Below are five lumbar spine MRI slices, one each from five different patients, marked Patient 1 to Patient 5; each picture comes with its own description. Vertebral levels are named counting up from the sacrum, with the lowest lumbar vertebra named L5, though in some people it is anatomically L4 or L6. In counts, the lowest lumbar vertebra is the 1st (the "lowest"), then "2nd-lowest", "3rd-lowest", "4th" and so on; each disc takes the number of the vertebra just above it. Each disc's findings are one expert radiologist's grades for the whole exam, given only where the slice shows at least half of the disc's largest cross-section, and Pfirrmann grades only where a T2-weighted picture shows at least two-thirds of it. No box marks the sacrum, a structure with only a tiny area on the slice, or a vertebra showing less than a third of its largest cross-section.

Patient 1 of 5:
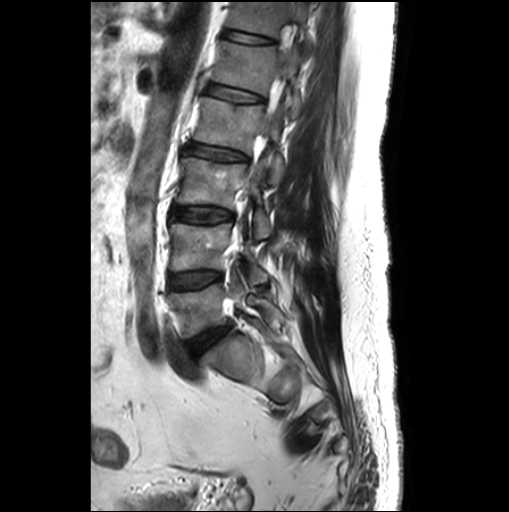 MRI lumbar spine (T2-weighted), sagittal plane; Slice spacing 3.3 mm; Slice 17/26
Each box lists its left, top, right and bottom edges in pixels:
L2 vertebra at left=193, top=97, right=285, bottom=183; L5/S1 at left=187, top=324, right=230, bottom=355; L3/L4 at left=171, top=206, right=233, bottom=222; disc T12/L1 at left=223, top=29, right=273, bottom=43; T12 at left=225, top=2, right=309, bottom=45; L2/L3 at left=184, top=143, right=247, bottom=160; disc L1/L2 at left=207, top=83, right=262, bottom=103; L4 vertebra at left=169, top=223, right=267, bottom=284; L3 vertebra at left=175, top=154, right=272, bottom=238; L4/L5 at left=168, top=271, right=220, bottom=289; L5 at left=168, top=268, right=282, bottom=337; L1 vertebra at left=211, top=41, right=302, bottom=117.

Degenerative findings by level:
- T12/L1: Pfirrmann grade 1
- L2/L3: Pfirrmann grade 1, lower-endplate change, upper-endplate change, disc bulging
- L5/S1: disc bulging
- L1/L2: Pfirrmann grade 1, lower-endplate change, upper-endplate change
- L4/L5: Pfirrmann grade 1
- L3/L4: Pfirrmann grade 1

Patient 2 of 5:
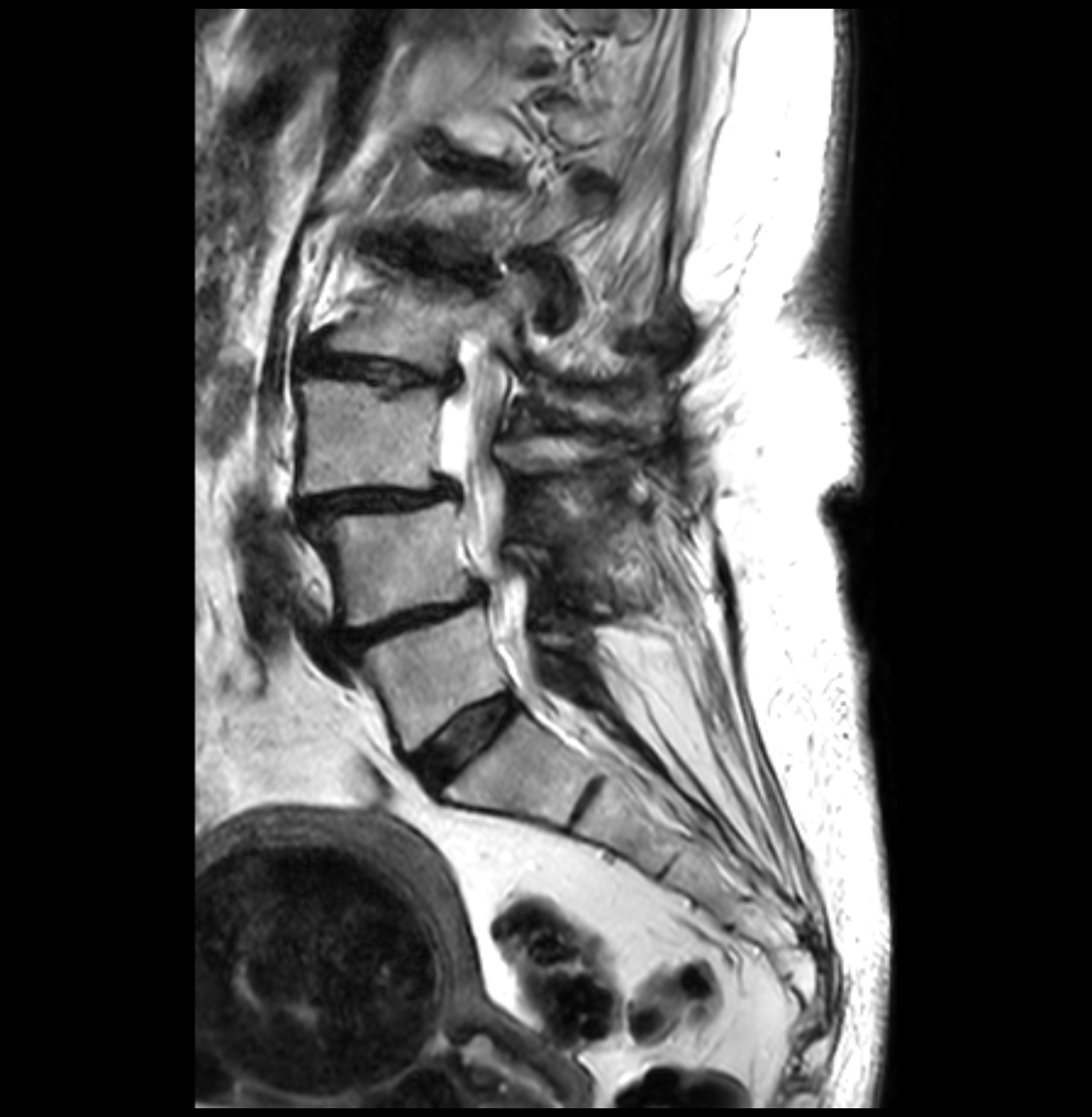 Image 1092x1117. Sagittal T2-weighted lumbar spine MRI.

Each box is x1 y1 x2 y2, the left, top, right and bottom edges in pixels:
spinal canal: 439 329 535 692
L3/L4: 300 483 455 520
L5 vertebra: 361 609 574 751
IVD L4/L5: 342 590 482 653
L2/L3: 300 335 457 386
L5/S1: 409 696 516 787
L1/L2: 414 260 462 278
L4: 310 501 633 627
L2 vertebra: 331 272 664 426
L3: 300 379 591 494

Radiological gradings:
• L2/L3: Pfirrmann grade 4, upper-endplate change, disc narrowing, disc bulging, lower-endplate change
• L5/S1: Pfirrmann grade 2
• L4/L5: disc narrowing, disc bulging
• L3/L4: Pfirrmann grade 4, spondylolisthesis, disc bulging, disc narrowing

Patient 3 of 5:
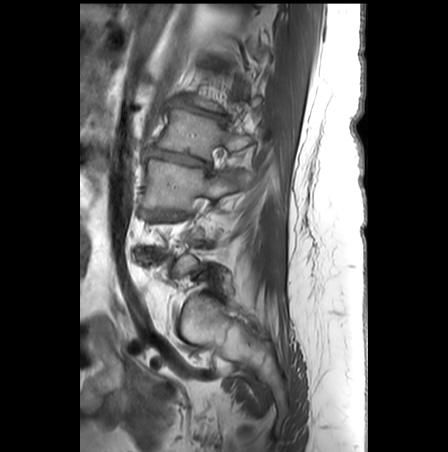
Slice 6/28. 448x452 px. T1-weighted sagittal MRI of the lumbar spine.
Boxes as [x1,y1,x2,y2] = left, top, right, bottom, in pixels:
4th disc at [145,148,209,168], 3rd-lowest vertebra at [144,158,247,209], 5th disc at [172,98,227,121], 4th vertebra at [155,108,251,159].

Degenerative findings by level:
- 4th disc: disc bulging, lower-endplate change, Modic type II, disc narrowing, upper-endplate change
- 5th disc: disc narrowing, disc bulging, upper-endplate change, spondylolisthesis, Modic type II, lower-endplate change

Patient 4 of 5:
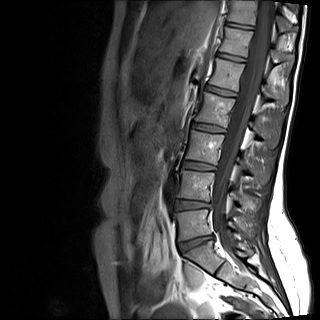
Sex F; Slice 7 of 15; T1-weighted sagittal MRI of the lumbar spine; Image 320x320

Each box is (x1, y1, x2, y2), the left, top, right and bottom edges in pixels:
{"T12 vertebra": "(219, 27, 294, 62)", "T12/L1": "(217, 53, 244, 61)", "L5/S1": "(179, 236, 213, 249)", "L1 vertebra": "(209, 58, 288, 105)", "intervertebral disc L3/L4": "(182, 161, 215, 170)", "intervertebral disc L2/L3": "(192, 122, 224, 133)", "L2 vertebra": "(195, 92, 277, 147)", "intervertebral disc L4/L5": "(175, 199, 209, 209)", "L1/L2": "(205, 84, 235, 96)", "intervertebral disc T11/T12": "(225, 22, 253, 29)", "T11": "(227, 0, 298, 31)", "L4": "(177, 170, 260, 212)", "L3": "(186, 130, 270, 184)", "L5 vertebra": "(174, 209, 252, 240)", "thecal sac / spinal canal": "(212, 0, 275, 249)"}

Expert MSK radiologist gradings (per disc):
• L4/L5: disc narrowing
• L5/S1: disc bulging, disc herniation, disc narrowing, Modic type II
• T12/L1, T11/T12, L2/L3, L3/L4, L1/L2: no herniation, bulging, narrowing, spondylolisthesis, endplate or Modic change recorded

Patient 5 of 5:
Sagittal T2 SPACE (3D) lumbar spine MRI | Sex M | Image 512x640

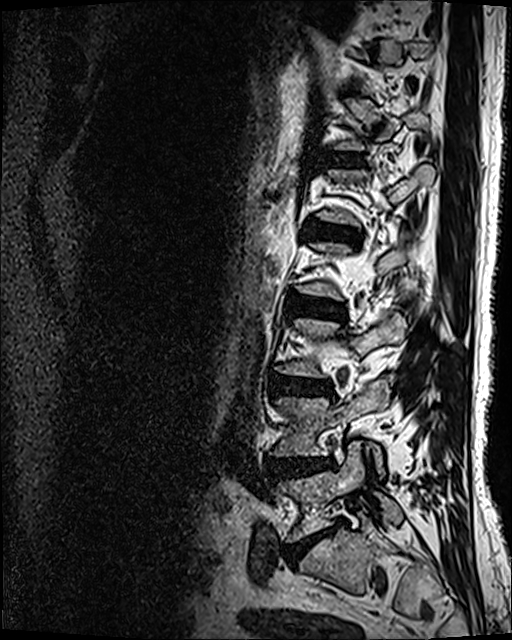
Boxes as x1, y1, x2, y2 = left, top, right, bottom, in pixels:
L2/L3 at 289, 294, 344, 321.
Intervertebral disc L1/L2 at 308, 221, 359, 243.
L4/L5 at 269, 456, 331, 481.
Intervertebral disc L3/L4 at 270, 373, 331, 395.
L4 at 272, 379, 390, 475.
L5 vertebra at 279, 445, 402, 541.
T12/L1 at 331, 154, 360, 165.
Intervertebral disc L5/S1 at 284, 521, 344, 563.

Degenerative findings by level:
- L3/L4: lower-endplate change, Modic type II, disc narrowing, disc bulging
- L2/L3: disc bulging
- L1/L2: Pfirrmann grade 4, lower-endplate change, upper-endplate change, disc bulging, disc narrowing, Modic type II